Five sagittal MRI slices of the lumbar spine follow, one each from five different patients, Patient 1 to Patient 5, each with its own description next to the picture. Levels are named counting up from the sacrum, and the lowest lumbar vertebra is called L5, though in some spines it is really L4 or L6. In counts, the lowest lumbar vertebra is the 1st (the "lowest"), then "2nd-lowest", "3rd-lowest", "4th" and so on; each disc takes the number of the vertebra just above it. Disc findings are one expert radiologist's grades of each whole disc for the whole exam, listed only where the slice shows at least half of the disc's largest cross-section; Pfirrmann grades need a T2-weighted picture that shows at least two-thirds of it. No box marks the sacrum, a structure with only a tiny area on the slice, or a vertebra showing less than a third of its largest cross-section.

Patient 1 of 5:
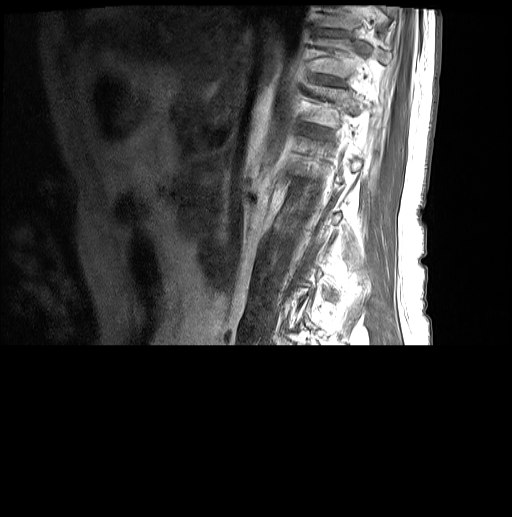

512x517 px; Patient sex: M; Lumbar spine MR, T1-weighted, sagittal

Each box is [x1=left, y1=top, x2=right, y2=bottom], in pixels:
{"8th vertebra": "[x1=319, y1=7, x2=398, y2=29]", "7th vertebra": "[x1=315, y1=38, x2=393, y2=76]", "8th disc": "[x1=316, y1=29, x2=345, y2=36]", "7th disc": "[x1=318, y1=75, x2=338, y2=84]"}

Patient 2 of 5:
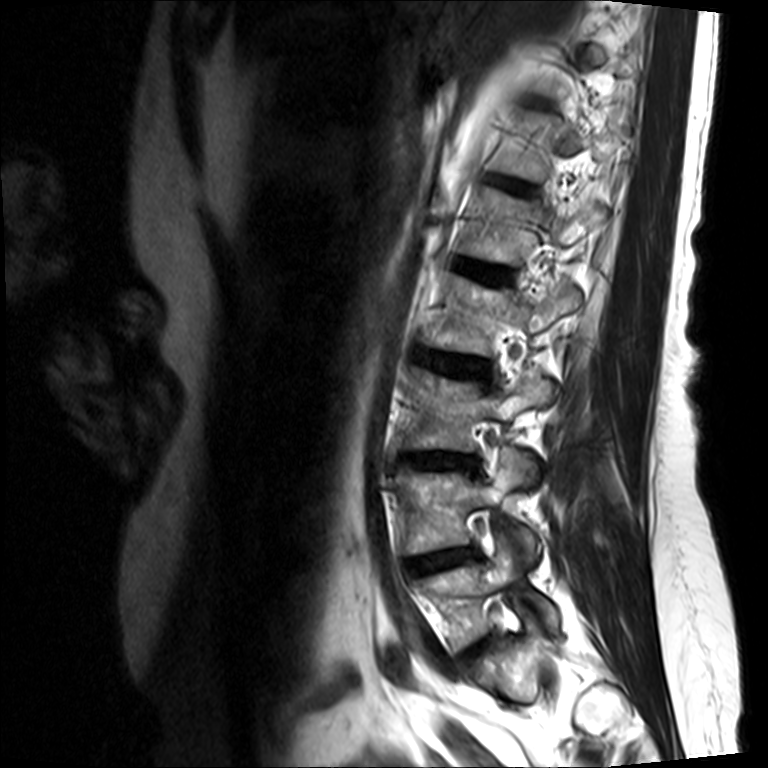 Image 768x768. Slice 3 of 15. Field of view 280x280 mm, slice spacing 4.4 mm. Lumbar spine MR, T2-weighted, sagittal.
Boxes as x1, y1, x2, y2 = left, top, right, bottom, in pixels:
Segmented structures:
- L1/L2: 458, 259, 511, 284
- L2: 430, 276, 582, 354
- L3 vertebra: 407, 368, 554, 449
- L4 vertebra: 400, 449, 535, 553
- L5/S1: 464, 636, 492, 659
- intervertebral disc T12/L1: 508, 182, 527, 190
- L3/L4: 402, 452, 478, 471
- L5: 416, 534, 559, 652
- intervertebral disc L4/L5: 406, 549, 475, 575
- L2/L3: 420, 350, 490, 379

Degenerative findings by level:
  L3/L4: upper-endplate change, disc bulging, lower-endplate change, disc narrowing
  L2/L3: Pfirrmann grade 3, disc bulging
  L1/L2: no spondylolisthesis, narrowing, bulging, herniation, Modic or endplate change recorded

Patient 3 of 5:
Lumbar spine MR, T1-weighted, sagittal | Slice spacing 3.3 mm 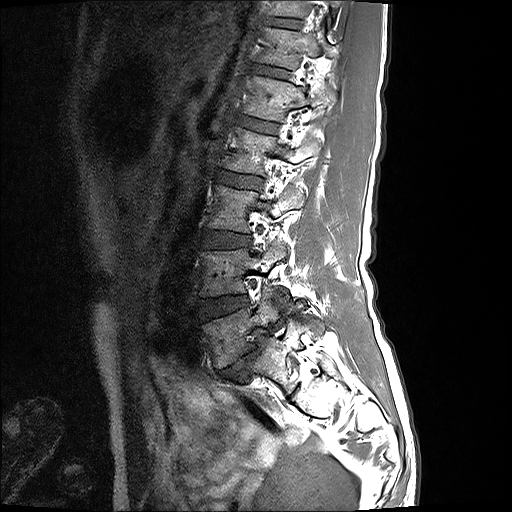 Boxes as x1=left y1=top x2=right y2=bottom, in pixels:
4th vertebra at x1=225 y1=127 x2=321 y2=174, 6th vertebra at x1=258 y1=27 x2=335 y2=68, 7th vertebra at x1=267 y1=0 x2=342 y2=16, 3rd-lowest disc at x1=202 y1=231 x2=250 y2=247, 4th disc at x1=217 y1=170 x2=262 y2=188, 6th disc at x1=252 y1=64 x2=289 y2=78, lowest disc at x1=218 y1=336 x2=266 y2=379, 3rd-lowest vertebra at x1=208 y1=185 x2=305 y2=233, 2nd-lowest vertebra at x1=201 y1=244 x2=287 y2=296, 5th disc at x1=237 y1=116 x2=277 y2=133, 5th vertebra at x1=244 y1=76 x2=334 y2=121, lowest vertebra at x1=202 y1=293 x2=280 y2=368, 7th disc at x1=267 y1=18 x2=299 y2=28, 2nd-lowest disc at x1=198 y1=295 x2=248 y2=320.

Per-level radiological findings:
- lowest disc: disc bulging, Modic type II, spondylolisthesis, disc narrowing
- 7th disc, 4th disc, 6th disc, 2nd-lowest disc, 3rd-lowest disc, 5th disc: no spondylolisthesis, narrowing, bulging, herniation, Modic or endplate change recorded

Patient 4 of 5:
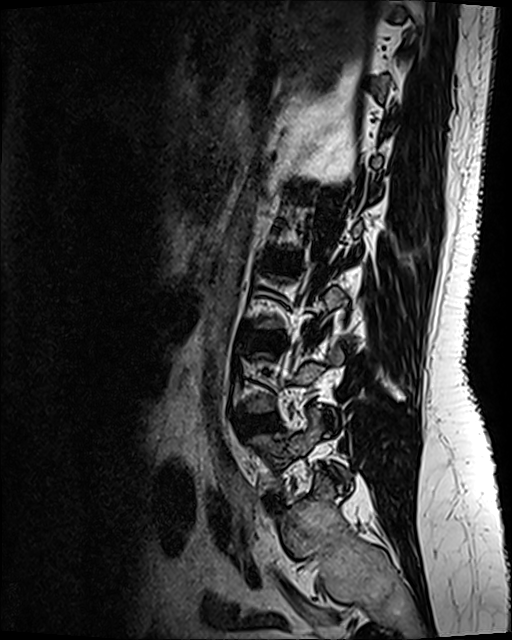 T2 SPACE (3D) sagittal MRI of the lumbar spine | Slice spacing 0.9 mm | Slice 87/120

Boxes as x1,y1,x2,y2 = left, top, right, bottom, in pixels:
Intervertebral disc L4/L5 (2nd-lowest disc) — 241,415,276,431.
L2/L3 (4th disc) — 261,256,296,270.
L3/L4 (3rd-lowest disc) — 243,334,280,346.

Patient 5 of 5:
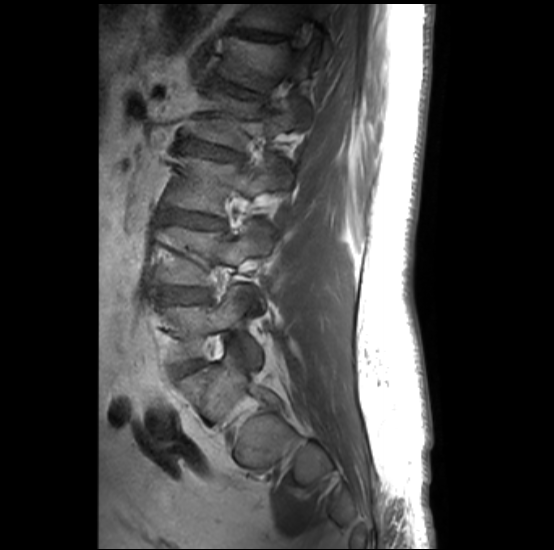 Field of view 285x283 mm, slice spacing 3.3 mm. MRI lumbar spine (T1-weighted), sagittal plane. Patient sex: M.
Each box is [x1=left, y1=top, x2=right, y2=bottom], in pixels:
L4 vertebra at [x1=160, y1=223, x2=271, y2=285], L3 vertebra at [x1=172, y1=155, x2=292, y2=216], intervertebral disc L5/S1 at [x1=175, y1=363, x2=198, y2=375], T12/L1 at [x1=235, y1=28, x2=289, y2=41], intervertebral disc L2/L3 at [x1=181, y1=140, x2=242, y2=160], T12 at [x1=237, y1=3, x2=331, y2=58], L5 vertebra at [x1=164, y1=286, x2=261, y2=364], L1 vertebra at [x1=220, y1=35, x2=317, y2=91], L3/L4 at [x1=173, y1=213, x2=226, y2=229], L4/L5 at [x1=164, y1=287, x2=208, y2=303], L2 at [x1=191, y1=91, x2=305, y2=150], intervertebral disc L1/L2 at [x1=217, y1=82, x2=263, y2=99].

Per-level radiological findings:
- L2/L3: lower-endplate change, Modic type II, upper-endplate change
- L3/L4: upper-endplate change, Modic type II, lower-endplate change
- T12/L1: upper-endplate change, spondylolisthesis